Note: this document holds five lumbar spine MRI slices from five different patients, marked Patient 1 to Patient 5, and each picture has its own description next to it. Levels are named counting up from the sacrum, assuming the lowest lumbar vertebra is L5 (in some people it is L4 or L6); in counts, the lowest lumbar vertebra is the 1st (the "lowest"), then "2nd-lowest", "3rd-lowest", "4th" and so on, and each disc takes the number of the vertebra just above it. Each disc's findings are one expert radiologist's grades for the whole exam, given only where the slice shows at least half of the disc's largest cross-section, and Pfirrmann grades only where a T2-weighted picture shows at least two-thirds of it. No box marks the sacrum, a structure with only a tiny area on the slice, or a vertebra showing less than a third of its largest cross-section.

Patient 1 of 5:
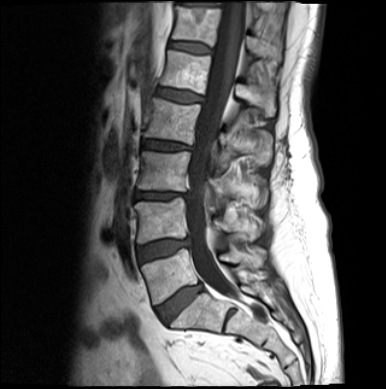 T1-weighted sagittal MRI of the lumbar spine
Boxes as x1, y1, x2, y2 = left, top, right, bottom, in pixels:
Annotations:
* L4/L5 (2nd-lowest disc): 139, 237, 191, 261
* L5 (lowest vertebra): 141, 248, 264, 304
* T12/L1 (6th disc): 169, 41, 210, 53
* L5/S1 (lowest disc): 158, 284, 203, 322
* L1 (5th vertebra): 160, 50, 275, 116
* L2/L3 (4th disc): 143, 140, 194, 150
* L1/L2 (5th disc): 157, 88, 201, 102
* spinal canal: 187, 2, 244, 298
* T12 (6th vertebra): 172, 6, 281, 61
* L2 (4th vertebra): 143, 98, 271, 167
* L3 (3rd-lowest vertebra): 137, 151, 267, 205
* L3/L4 (3rd-lowest disc): 135, 191, 189, 198
* L4 (2nd-lowest vertebra): 135, 197, 257, 243

Expert MSK radiologist gradings (per disc):
  L5/S1 (lowest disc): disc bulging
  L1/L2 (5th disc): disc bulging
  L3/L4 (3rd-lowest disc): disc narrowing, disc bulging
  L4/L5 (2nd-lowest disc): disc bulging
  L2/L3 (4th disc): disc bulging
  T12/L1 (6th disc): no herniation, bulging, narrowing, spondylolisthesis, endplate or Modic change recorded

Patient 2 of 5:
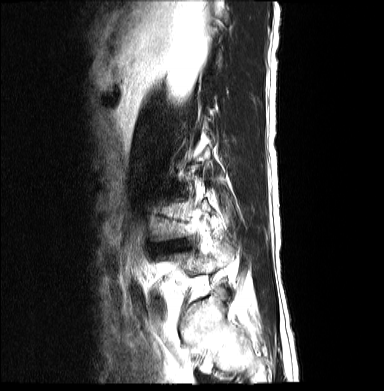
Patient sex: M. Field of view 260x265 mm. MRI lumbar spine (T2-weighted), sagittal plane.

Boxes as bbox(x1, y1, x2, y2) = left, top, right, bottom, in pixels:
• L5 (lowest vertebra): bbox(169, 241, 234, 274)
• intervertebral disc L4/L5 (2nd-lowest disc): bbox(156, 241, 188, 252)

Patient 3 of 5:
Patient sex: F | Sagittal T1-weighted lumbar spine MRI | Image 1089x1120 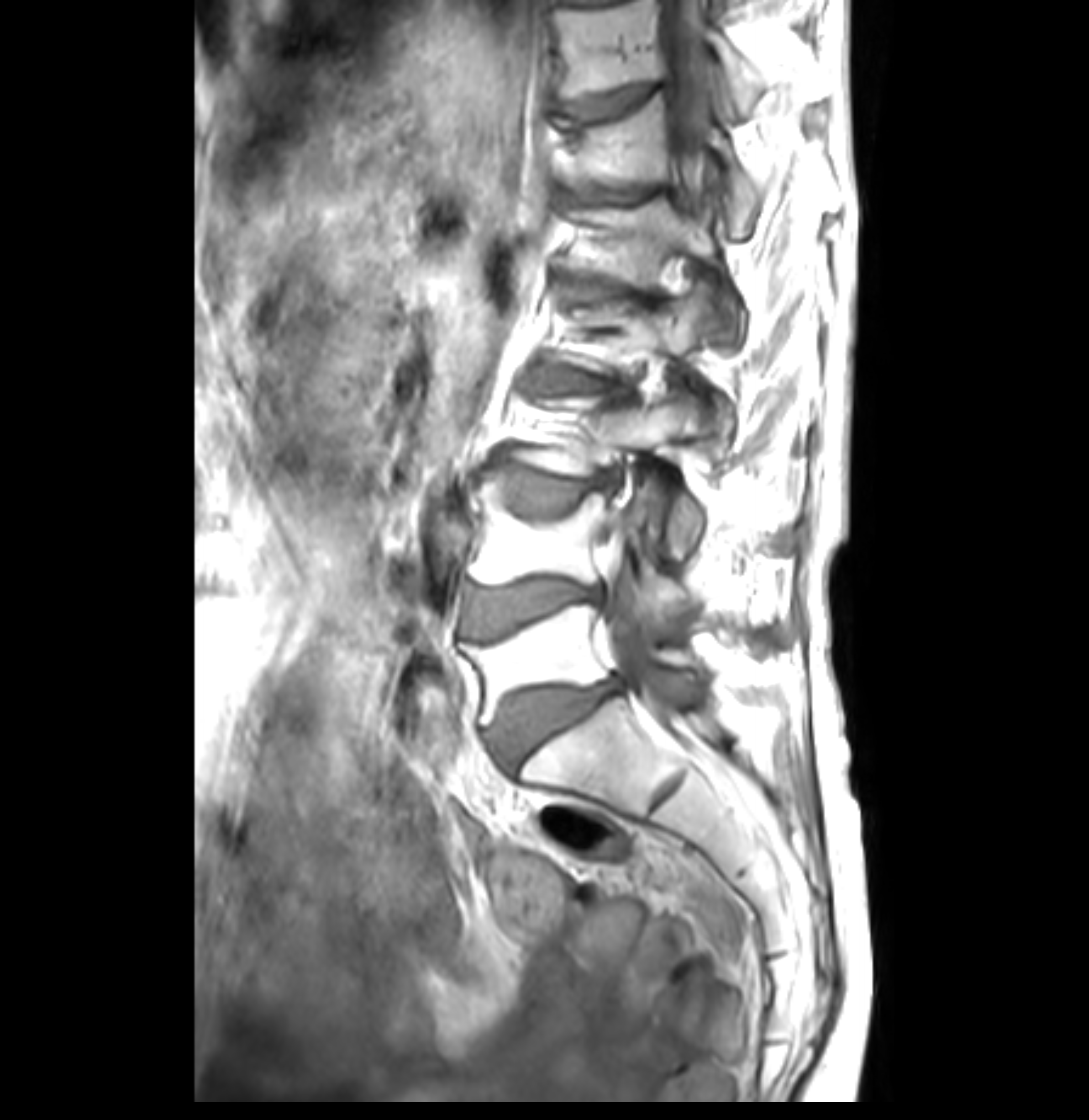
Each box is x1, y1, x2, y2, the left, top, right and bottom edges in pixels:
• L3 vertebra: 513, 396, 702, 560
• IVD L1/L2: 569, 278, 651, 304
• T11 vertebra: 559, 1, 826, 117
• IVD L4/L5: 464, 578, 600, 637
• T12: 562, 92, 761, 237
• L5/S1: 491, 681, 620, 765
• T11/T12: 567, 85, 661, 117
• L2/L3: 552, 373, 622, 390
• thecal sac / spinal canal: 608, 6, 719, 719
• L1 vertebra: 571, 197, 719, 286
• T12/L1: 567, 183, 678, 205
• L4: 467, 483, 688, 618
• L5: 464, 604, 697, 723
• L3/L4: 494, 463, 612, 515

Per-level radiological findings:
• L5/S1: Modic type II, lower-endplate change, disc bulging, upper-endplate change
• L4/L5: upper-endplate change, lower-endplate change, Modic type II, disc bulging
• L3/L4: disc narrowing, upper-endplate change, Modic type II, disc bulging, lower-endplate change
• T11/T12: lower-endplate change, Modic type II, upper-endplate change

Patient 4 of 5:
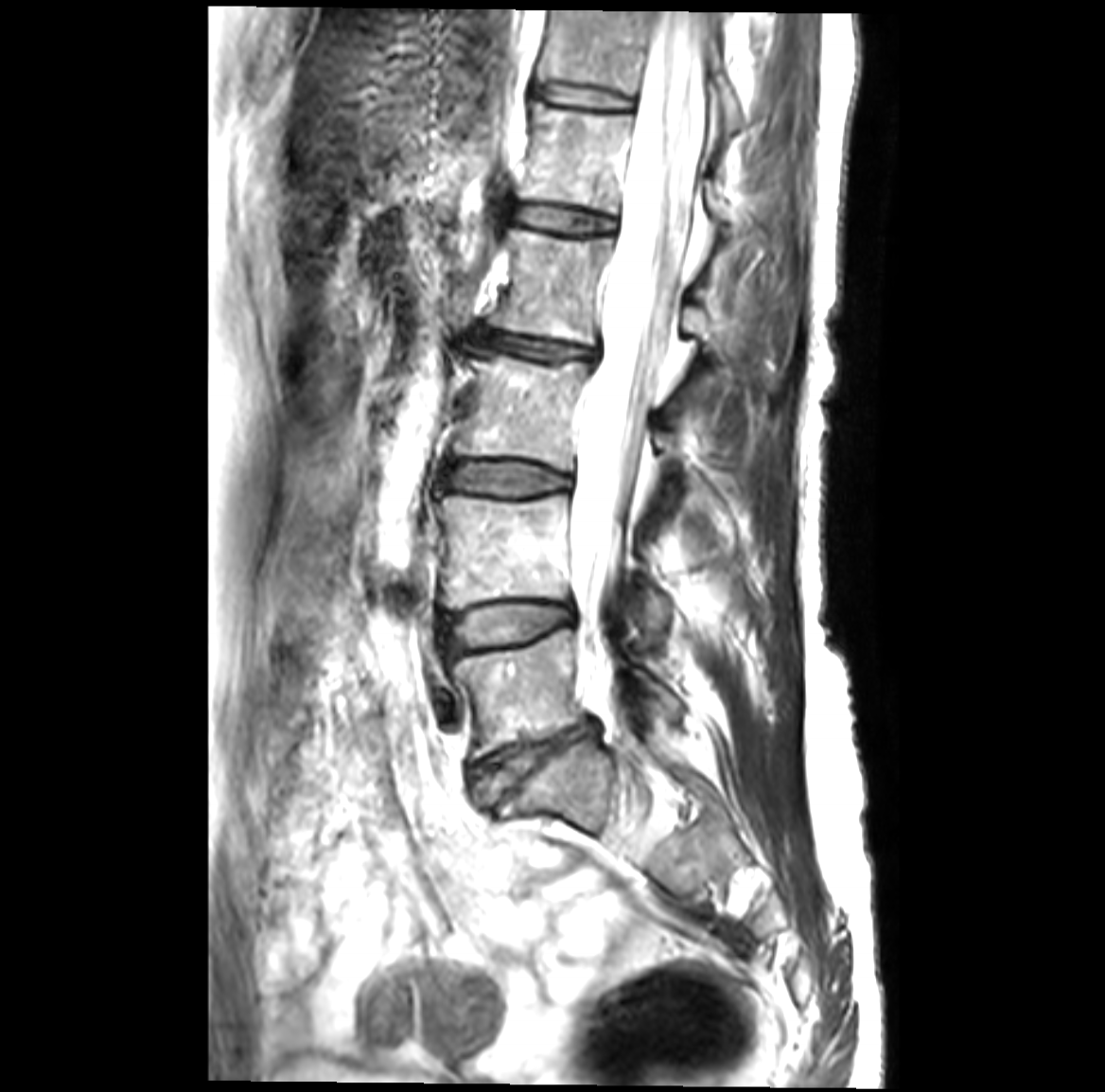
Patient sex: F, Sagittal T2-weighted lumbar spine MRI, Field of view 290x286 mm, 1105x1092 px

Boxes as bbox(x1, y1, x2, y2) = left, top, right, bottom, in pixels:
Structures:
- 5th disc — bbox(515, 205, 615, 232)
- 2nd-lowest disc — bbox(444, 603, 571, 651)
- 5th vertebra — bbox(519, 100, 744, 232)
- lowest vertebra — bbox(439, 629, 677, 757)
- 6th vertebra — bbox(537, 9, 737, 127)
- 2nd-lowest vertebra — bbox(439, 492, 668, 626)
- lowest disc — bbox(476, 721, 595, 803)
- 3rd-lowest vertebra — bbox(455, 354, 688, 470)
- 4th disc — bbox(474, 327, 597, 359)
- 3rd-lowest disc — bbox(448, 463, 571, 493)
- 4th vertebra — bbox(487, 226, 739, 360)
- 6th disc — bbox(535, 83, 631, 111)
- spinal canal — bbox(570, 10, 707, 674)

Radiological gradings:
• 5th disc: Pfirrmann grade 1
• 2nd-lowest disc: Pfirrmann grade 3, disc bulging, Modic type II
• 3rd-lowest disc: Pfirrmann grade 3, Modic type II, disc bulging
• 4th disc: Pfirrmann grade 3, disc bulging, disc narrowing, Modic type II
• lowest disc: Pfirrmann grade 4, disc narrowing, Modic type II, disc bulging
• 6th disc: Pfirrmann grade 1

Patient 5 of 5:
Slice 17 of 30, Image 448x455, MRI lumbar spine (T2-weighted), sagittal plane

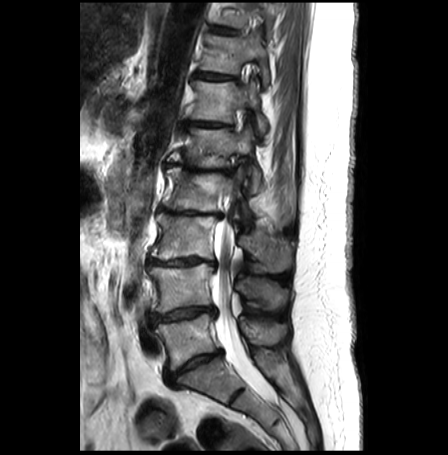

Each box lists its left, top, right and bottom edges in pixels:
Annotations:
• 7th vertebra at left=200, top=32, right=270, bottom=85
• 5th disc at left=165, top=163, right=231, bottom=173
• 6th vertebra at left=191, top=81, right=267, bottom=134
• 7th disc at left=197, top=73, right=233, bottom=80
• 3rd-lowest disc at left=148, top=256, right=215, bottom=266
• lowest vertebra at left=155, top=313, right=286, bottom=369
• 8th vertebra at left=214, top=3, right=279, bottom=36
• 4th disc at left=158, top=206, right=222, bottom=217
• 2nd-lowest vertebra at left=149, top=263, right=287, bottom=312
• 4th vertebra at left=163, top=167, right=292, bottom=224
• 5th vertebra at left=169, top=128, right=261, bottom=192
• 2nd-lowest disc at left=148, top=305, right=215, bottom=324
• 8th disc at left=211, top=26, right=237, bottom=33
• lowest disc at left=165, top=350, right=222, bottom=386
• 6th disc at left=189, top=120, right=231, bottom=127
• spinal canal at left=211, top=193, right=272, bottom=398
• 3rd-lowest vertebra at left=151, top=213, right=291, bottom=271

Expert MSK radiologist gradings (per disc):
- 2nd-lowest disc: Pfirrmann grade 3, disc herniation, lower-endplate change, Modic type II, upper-endplate change, disc narrowing, disc bulging
- 6th disc: Pfirrmann grade 4, upper-endplate change, Modic type II, lower-endplate change, disc narrowing, disc bulging
- 3rd-lowest disc: Modic type II, disc narrowing, upper-endplate change, disc bulging, lower-endplate change
- lowest disc: Pfirrmann grade 4, lower-endplate change, disc bulging, disc narrowing, Modic type II, upper-endplate change
- 7th disc: Pfirrmann grade 2, disc bulging
- 4th disc: disc bulging, lower-endplate change, upper-endplate change, Modic type II, disc narrowing
- 5th disc: upper-endplate change, disc bulging, lower-endplate change, Modic type II, disc narrowing
- 8th disc: no spondylolisthesis, narrowing, bulging, herniation, Modic or endplate change recorded